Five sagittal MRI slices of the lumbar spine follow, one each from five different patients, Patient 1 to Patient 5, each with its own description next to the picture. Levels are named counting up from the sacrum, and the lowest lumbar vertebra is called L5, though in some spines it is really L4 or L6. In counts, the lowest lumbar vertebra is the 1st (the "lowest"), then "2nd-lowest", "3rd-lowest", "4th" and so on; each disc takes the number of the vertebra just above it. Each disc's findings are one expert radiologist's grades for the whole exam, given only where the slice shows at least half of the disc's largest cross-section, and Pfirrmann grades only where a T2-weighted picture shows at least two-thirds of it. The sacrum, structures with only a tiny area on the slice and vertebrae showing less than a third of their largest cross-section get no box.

Patient 1 of 5:
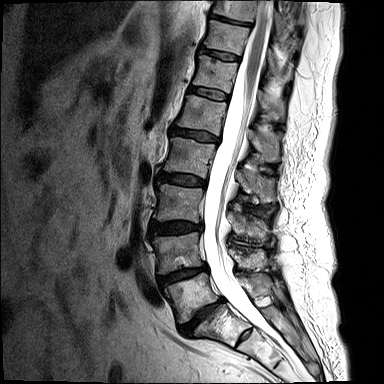
Sagittal T2-weighted lumbar spine MRI. 384x384 px. Patient sex: F.

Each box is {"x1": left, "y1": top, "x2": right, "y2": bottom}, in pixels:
IVD L2/L3 at {"x1": 158, "y1": 173, "x2": 205, "y2": 186}.
L5 vertebra at {"x1": 164, "y1": 273, "x2": 272, "y2": 323}.
T10/T11 at {"x1": 209, "y1": 13, "x2": 252, "y2": 27}.
T11 vertebra at {"x1": 204, "y1": 20, "x2": 275, "y2": 69}.
L1/L2 at {"x1": 171, "y1": 127, "x2": 219, "y2": 142}.
IVD L5/S1 at {"x1": 179, "y1": 298, "x2": 224, "y2": 336}.
L1 vertebra at {"x1": 177, "y1": 95, "x2": 279, "y2": 161}.
T12 at {"x1": 193, "y1": 55, "x2": 285, "y2": 119}.
L3 vertebra at {"x1": 153, "y1": 184, "x2": 269, "y2": 240}.
T11/T12 at {"x1": 199, "y1": 47, "x2": 240, "y2": 61}.
T10 at {"x1": 213, "y1": 0, "x2": 286, "y2": 33}.
IVD L3/L4 at {"x1": 150, "y1": 222, "x2": 202, "y2": 234}.
L2 vertebra at {"x1": 163, "y1": 137, "x2": 275, "y2": 202}.
IVD L4/L5 at {"x1": 158, "y1": 265, "x2": 207, "y2": 286}.
IVD T12/L1 at {"x1": 188, "y1": 86, "x2": 228, "y2": 99}.
Thecal sac / spinal canal at {"x1": 203, "y1": 0, "x2": 275, "y2": 339}.
L4 at {"x1": 152, "y1": 232, "x2": 266, "y2": 273}.

Per-level radiological findings:
  T11/T12: Pfirrmann grade 2, upper-endplate change, Modic type II
  L4/L5: Pfirrmann grade 4, disc narrowing, disc bulging, lower-endplate change, Modic type II, upper-endplate change
  T12/L1: Pfirrmann grade 2, Modic type II
  L3/L4: Pfirrmann grade 3, disc bulging
  T10/T11: Pfirrmann grade 5, Modic type II, lower-endplate change, disc narrowing
  L1/L2: Pfirrmann grade 3, disc bulging
  L2/L3: Pfirrmann grade 3, disc bulging
  L5/S1: Pfirrmann grade 5, Modic type II, upper-endplate change, disc narrowing, disc bulging, lower-endplate change

Patient 2 of 5:
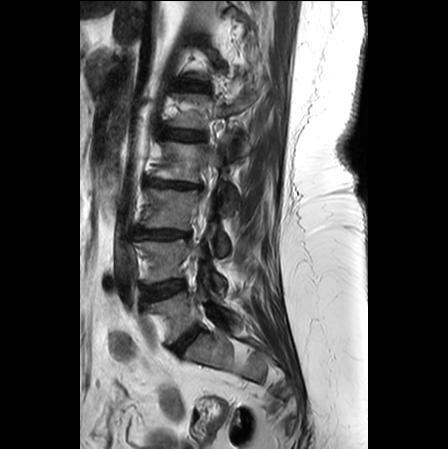

Sagittal T2-weighted lumbar spine MRI; Slice 9 of 25
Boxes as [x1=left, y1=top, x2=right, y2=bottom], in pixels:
Spinal canal at [x1=201, y1=198, x2=210, y2=218], IVD L3/L4 at [x1=135, y1=227, x2=189, y2=238], L2 at [x1=150, y1=141, x2=236, y2=213], L1 at [x1=169, y1=94, x2=256, y2=158], T12/L1 at [x1=178, y1=81, x2=207, y2=89], L5/S1 at [x1=171, y1=328, x2=200, y2=352], L3 at [x1=141, y1=188, x2=228, y2=256], IVD L2/L3 at [x1=144, y1=178, x2=200, y2=188], IVD L4/L5 at [x1=143, y1=279, x2=185, y2=301], IVD L1/L2 at [x1=161, y1=129, x2=205, y2=140], L5 vertebra at [x1=148, y1=285, x2=237, y2=343], L4 at [x1=133, y1=239, x2=224, y2=291].

Radiological gradings:
  T12/L1: upper-endplate change
  L3/L4: Pfirrmann grade 4, lower-endplate change, disc narrowing, upper-endplate change, disc bulging
  L2/L3: Pfirrmann grade 5, disc herniation, lower-endplate change, disc narrowing, Modic type II, upper-endplate change
  L4/L5: Pfirrmann grade 2, disc bulging, lower-endplate change, upper-endplate change, Modic type II
  L1/L2: Pfirrmann grade 2, disc bulging

Patient 3 of 5:
T1-weighted sagittal MRI of the lumbar spine; Sagittal slice index 16 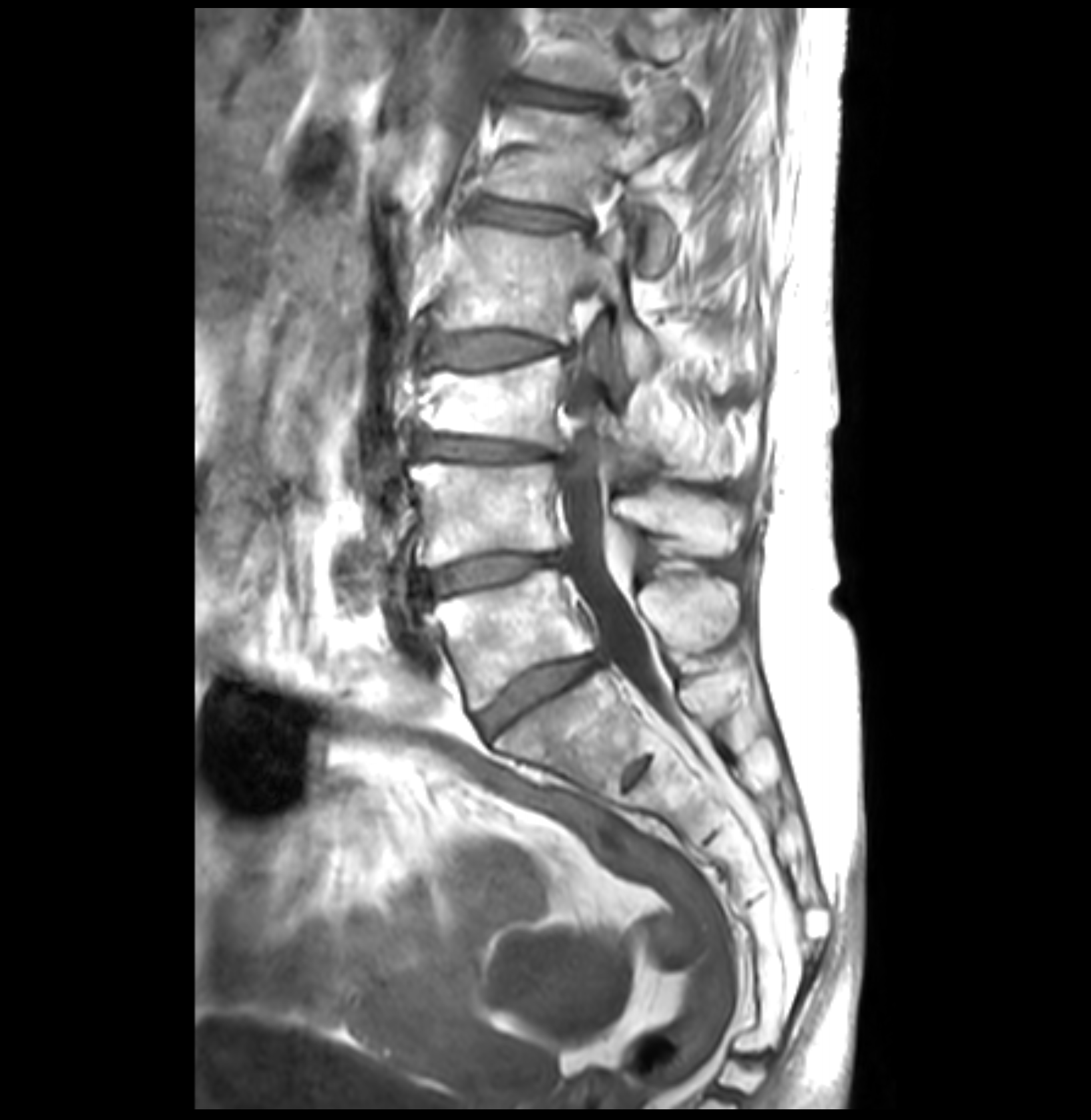 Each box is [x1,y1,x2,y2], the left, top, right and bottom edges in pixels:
Annotations:
* 6th disc = [504,77,620,108]
* 4th vertebra = [433,224,664,375]
* 3rd-lowest vertebra = [419,355,728,477]
* 5th disc = [470,198,594,234]
* 3rd-lowest disc = [414,432,564,460]
* 2nd-lowest disc = [417,552,564,605]
* 6th vertebra = [529,9,715,90]
* 5th vertebra = [485,91,681,273]
* lowest vertebra = [426,568,740,711]
* spinal canal = [560,278,664,709]
* lowest disc = [480,655,598,734]
* 4th disc = [429,331,572,369]
* 2nd-lowest vertebra = [411,460,740,566]

Per-level radiological findings:
• lowest disc: disc bulging
• 4th disc: disc bulging, Modic type II
• 3rd-lowest disc: disc bulging, Modic type II, disc narrowing, upper-endplate change
• 5th disc: lower-endplate change, upper-endplate change
• 2nd-lowest disc: disc narrowing, disc bulging, Modic type II
• 6th disc: upper-endplate change, disc bulging

Patient 4 of 5:
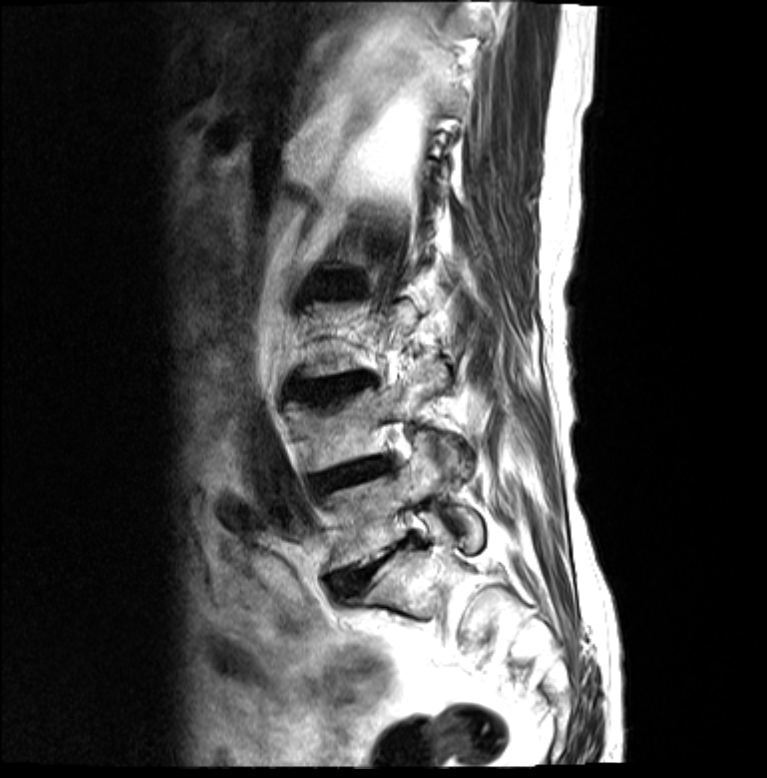

Slice 5 of 19, Lumbar spine MR, T2-weighted, sagittal

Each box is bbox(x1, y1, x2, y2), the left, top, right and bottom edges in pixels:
L4/L5 = bbox(311, 458, 390, 494).
L5 = bbox(317, 444, 482, 568).
Disc L3/L4 = bbox(293, 375, 372, 403).
L4 vertebra = bbox(286, 357, 456, 471).
Disc L5/S1 = bbox(329, 539, 410, 596).

Expert MSK radiologist gradings (per disc):
  L4/L5: lower-endplate change, upper-endplate change, Modic type II, disc bulging, disc narrowing
  L5/S1: upper-endplate change, disc bulging, disc narrowing, Modic type II, lower-endplate change

Patient 5 of 5:
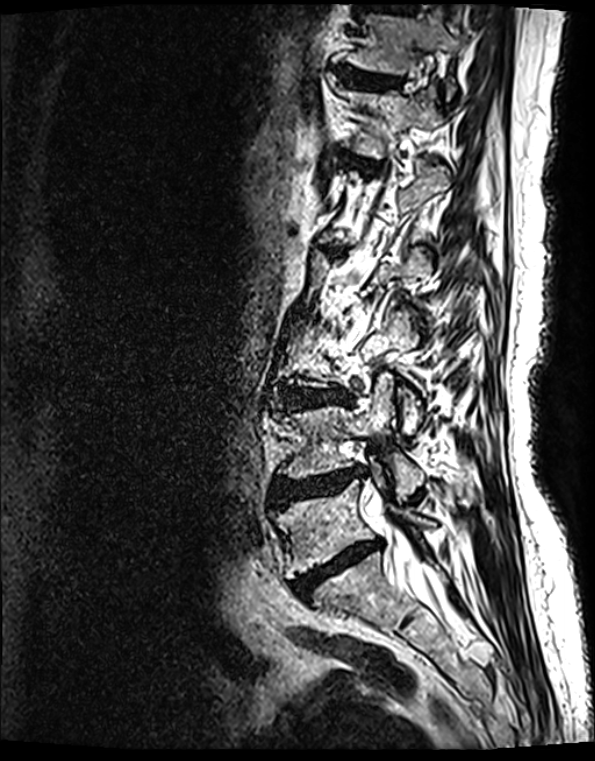 Sagittal T2 SPACE (3D) lumbar spine MRI | Field of view 240x307 mm, slice spacing 0.9 mm | 595x761 px

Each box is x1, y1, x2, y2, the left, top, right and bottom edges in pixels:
6th disc = 350, 158, 365, 170.
2nd-lowest vertebra = 281, 376, 422, 500.
7th disc = 344, 74, 397, 89.
Lowest disc = 294, 541, 379, 597.
3rd-lowest disc = 285, 389, 344, 408.
6th vertebra = 344, 87, 448, 158.
Thecal sac / spinal canal = 398, 546, 443, 601.
2nd-lowest disc = 276, 468, 361, 504.
Lowest vertebra = 276, 469, 433, 579.
7th vertebra = 348, 16, 465, 96.

Radiological gradings:
- 7th disc: lower-endplate change, upper-endplate change, Modic type II
- 3rd-lowest disc: disc narrowing, lower-endplate change, upper-endplate change, Modic type II, disc bulging
- 2nd-lowest disc: Pfirrmann grade 4, disc narrowing, upper-endplate change, disc bulging, lower-endplate change, disc herniation, Modic type II
- lowest disc: Pfirrmann grade 5, lower-endplate change, disc bulging, upper-endplate change, disc narrowing, Modic type II